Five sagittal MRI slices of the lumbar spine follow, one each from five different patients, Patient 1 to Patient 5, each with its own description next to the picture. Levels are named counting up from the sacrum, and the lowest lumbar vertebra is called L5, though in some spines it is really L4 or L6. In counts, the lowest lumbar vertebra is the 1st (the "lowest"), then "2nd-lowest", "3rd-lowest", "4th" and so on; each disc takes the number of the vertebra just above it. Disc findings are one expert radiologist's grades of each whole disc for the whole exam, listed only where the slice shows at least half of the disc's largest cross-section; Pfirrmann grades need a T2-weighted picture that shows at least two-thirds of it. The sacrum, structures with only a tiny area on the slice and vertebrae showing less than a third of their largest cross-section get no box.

Patient 1 of 5:
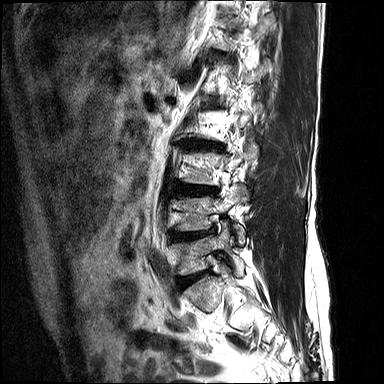 Field of view 280x280 mm, slice spacing 4.4 mm. Lumbar spine MR, T2-weighted, sagittal.
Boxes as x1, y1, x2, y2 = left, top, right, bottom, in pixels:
3rd-lowest disc: 173, 184, 217, 196.
4th disc: 189, 141, 222, 149.
2nd-lowest disc: 174, 230, 211, 240.
2nd-lowest vertebra: 171, 186, 249, 245.
Lowest disc: 179, 271, 207, 285.
Lowest vertebra: 174, 221, 245, 276.

Radiological gradings:
- 3rd-lowest disc: upper-endplate change, disc bulging, lower-endplate change

Patient 2 of 5:
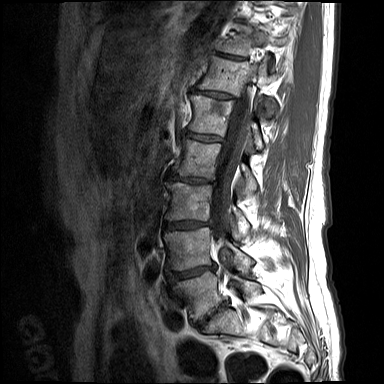
Patient sex: F; Sagittal T1-weighted lumbar spine MRI; Slice spacing 4.4 mm
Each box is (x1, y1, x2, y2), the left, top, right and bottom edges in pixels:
L5 vertebra: (174, 270, 256, 320).
L5/S1: (196, 303, 225, 328).
L2/L3: (168, 172, 213, 183).
T12/L1: (195, 90, 234, 98).
Intervertebral disc L1/L2: (185, 131, 222, 141).
T11 vertebra: (216, 27, 285, 55).
T11/T12: (213, 52, 244, 59).
L4 vertebra: (164, 227, 254, 270).
L2: (173, 139, 256, 191).
L3/L4: (164, 221, 210, 228).
T12: (198, 56, 277, 116).
L3 vertebra: (166, 182, 248, 233).
L4/L5: (171, 266, 213, 279).
L1: (188, 95, 263, 148).
Thecal sac / spinal canal: (210, 74, 253, 256).

Per-level radiological findings:
  L4/L5: lower-endplate change, disc bulging, upper-endplate change, disc narrowing
  L2/L3: lower-endplate change, disc bulging, disc narrowing, upper-endplate change
  T11/T12: upper-endplate change, lower-endplate change
  L3/L4: disc narrowing, upper-endplate change, lower-endplate change, disc bulging
  L1/L2: upper-endplate change, lower-endplate change, disc narrowing
  T12/L1: lower-endplate change, disc narrowing, upper-endplate change

Patient 3 of 5:
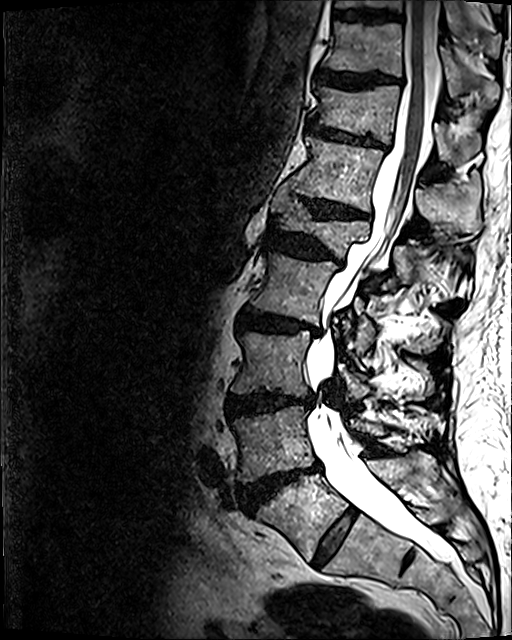 Field of view 240x300 mm | Patient sex: M | T2 SPACE (3D) sagittal MRI of the lumbar spine
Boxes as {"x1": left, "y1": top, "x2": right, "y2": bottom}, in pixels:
L2 vertebra = {"x1": 251, "y1": 253, "x2": 450, "y2": 352}.
L5 = {"x1": 256, "y1": 453, "x2": 439, "y2": 560}.
T11/T12 = {"x1": 306, "y1": 122, "x2": 387, "y2": 149}.
L2/L3 = {"x1": 238, "y1": 311, "x2": 319, "y2": 334}.
T11 vertebra = {"x1": 310, "y1": 84, "x2": 478, "y2": 161}.
L1 vertebra = {"x1": 271, "y1": 184, "x2": 471, "y2": 301}.
T9 = {"x1": 335, "y1": 0, "x2": 501, "y2": 54}.
T12/L1 = {"x1": 302, "y1": 198, "x2": 369, "y2": 218}.
IVD T9/T10 = {"x1": 334, "y1": 10, "x2": 399, "y2": 21}.
L4 vertebra = {"x1": 232, "y1": 405, "x2": 436, "y2": 482}.
Thecal sac / spinal canal = {"x1": 307, "y1": 0, "x2": 452, "y2": 563}.
IVD L5/S1 = {"x1": 312, "y1": 510, "x2": 356, "y2": 566}.
T10/T11 = {"x1": 317, "y1": 70, "x2": 401, "y2": 89}.
L3 = {"x1": 230, "y1": 332, "x2": 434, "y2": 398}.
L3/L4 = {"x1": 226, "y1": 392, "x2": 312, "y2": 416}.
T10 vertebra = {"x1": 323, "y1": 22, "x2": 500, "y2": 103}.
IVD L4/L5 = {"x1": 241, "y1": 463, "x2": 321, "y2": 508}.
L1/L2 = {"x1": 265, "y1": 229, "x2": 341, "y2": 264}.
T12 = {"x1": 288, "y1": 137, "x2": 480, "y2": 231}.

Expert MSK radiologist gradings (per disc):
  T12/L1: Pfirrmann grade 4, upper-endplate change, lower-endplate change, disc bulging, disc narrowing
  L1/L2: Pfirrmann grade 4, upper-endplate change, disc narrowing, disc bulging, lower-endplate change
  T9/T10: Pfirrmann grade 3, lower-endplate change
  L3/L4: Pfirrmann grade 4, disc bulging, disc narrowing, upper-endplate change, lower-endplate change
  L4/L5: Pfirrmann grade 5, upper-endplate change, lower-endplate change, Modic type II, disc bulging, disc herniation, disc narrowing
  L2/L3: Pfirrmann grade 4, disc narrowing, lower-endplate change, upper-endplate change, Modic type II, disc bulging
  T11/T12: Pfirrmann grade 4, disc narrowing, disc bulging, upper-endplate change, lower-endplate change
  T10/T11: Pfirrmann grade 4, disc bulging, lower-endplate change, upper-endplate change
  L5/S1: Pfirrmann grade 2

Patient 4 of 5:
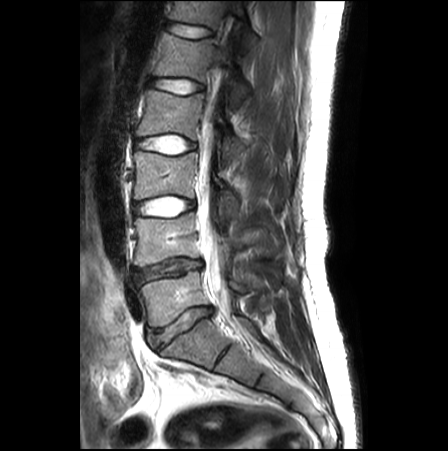

Slice 16/27. 448x451 px. T2-weighted sagittal MRI of the lumbar spine.
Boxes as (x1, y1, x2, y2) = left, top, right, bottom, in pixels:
3rd-lowest disc at (134, 196, 193, 217), 6th vertebra at (169, 1, 257, 52), spinal canal at (197, 16, 231, 317), 4th disc at (136, 135, 194, 153), lowest vertebra at (140, 272, 251, 326), 6th disc at (168, 22, 212, 37), 2nd-lowest vertebra at (134, 213, 243, 266), 5th disc at (151, 78, 203, 93), lowest disc at (149, 307, 212, 348), 3rd-lowest vertebra at (134, 151, 239, 215), 5th vertebra at (153, 31, 250, 106), 2nd-lowest disc at (134, 258, 202, 281), 4th vertebra at (136, 90, 244, 158).

Degenerative findings by level:
- 2nd-lowest disc: Pfirrmann grade 3, disc bulging, disc narrowing
- 6th disc: Pfirrmann grade 1, lower-endplate change
- 5th disc: Pfirrmann grade 1
- 3rd-lowest disc: Pfirrmann grade 1
- 4th disc: Pfirrmann grade 1
- lowest disc: Pfirrmann grade 3, disc bulging, disc narrowing

Patient 5 of 5:
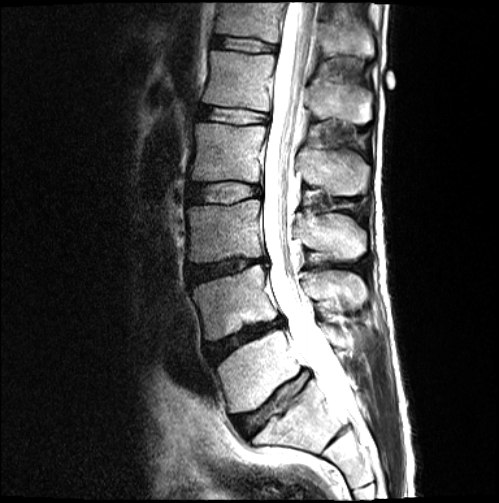

Patient sex: M, T2-weighted sagittal MRI of the lumbar spine, Sagittal slice index 8

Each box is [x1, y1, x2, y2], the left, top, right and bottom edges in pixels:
Thecal sac / spinal canal — [263, 2, 354, 414].
IVD L5/S1 (lowest disc) — [234, 371, 310, 435].
IVD T12/L1 (6th disc) — [213, 36, 277, 52].
L1/L2 (5th disc) — [199, 106, 269, 123].
L4 (2nd-lowest vertebra) — [192, 265, 367, 339].
L2 (4th vertebra) — [190, 123, 368, 195].
T12 (6th vertebra) — [216, 2, 373, 56].
L3 (3rd-lowest vertebra) — [187, 200, 367, 262].
L1 (5th vertebra) — [203, 50, 371, 122].
L2/L3 (4th disc) — [187, 182, 260, 202].
L4/L5 (2nd-lowest disc) — [205, 318, 282, 363].
L3/L4 (3rd-lowest disc) — [187, 258, 267, 282].
L5 (lowest vertebra) — [218, 330, 363, 412].

Radiological gradings:
  L5/S1 (lowest disc): Pfirrmann grade 3, upper-endplate change, lower-endplate change, disc bulging, disc narrowing
  L4/L5 (2nd-lowest disc): Pfirrmann grade 4, upper-endplate change, disc narrowing, lower-endplate change, disc bulging
  T12/L1 (6th disc): Pfirrmann grade 2
  L1/L2 (5th disc): Pfirrmann grade 2
  L3/L4 (3rd-lowest disc): Pfirrmann grade 4, disc bulging, lower-endplate change, disc narrowing, upper-endplate change
  L2/L3 (4th disc): Pfirrmann grade 2